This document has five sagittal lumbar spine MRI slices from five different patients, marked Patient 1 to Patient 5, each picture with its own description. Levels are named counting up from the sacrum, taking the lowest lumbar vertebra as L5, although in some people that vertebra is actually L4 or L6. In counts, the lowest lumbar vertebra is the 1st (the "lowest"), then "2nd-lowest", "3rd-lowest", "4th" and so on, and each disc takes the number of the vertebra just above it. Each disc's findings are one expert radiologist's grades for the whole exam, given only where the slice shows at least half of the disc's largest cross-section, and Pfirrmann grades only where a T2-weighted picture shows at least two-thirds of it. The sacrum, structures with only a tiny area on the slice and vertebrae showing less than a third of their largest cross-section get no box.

Patient 1 of 5:
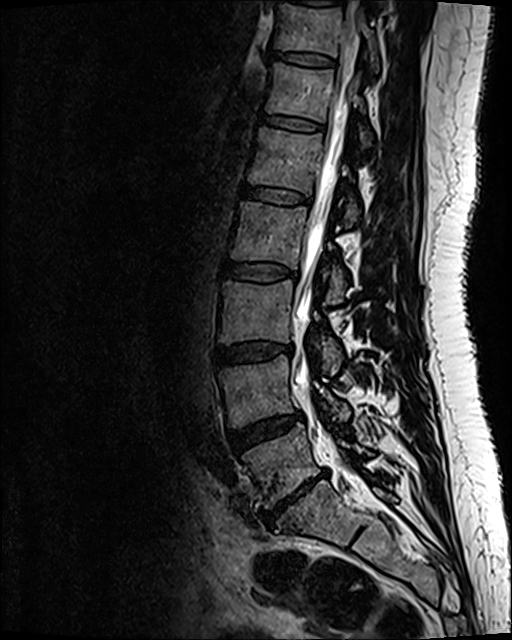 Sagittal T2 SPACE (3D) lumbar spine MRI, Sex F, Sagittal slice index 49
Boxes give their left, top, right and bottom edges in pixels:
5th disc: left=243, top=185, right=310, bottom=204.
4th vertebra: left=231, top=203, right=346, bottom=302.
3rd-lowest vertebra: left=219, top=281, right=342, bottom=372.
4th disc: left=224, top=262, right=298, bottom=280.
5th vertebra: left=249, top=128, right=360, bottom=224.
2nd-lowest disc: left=229, top=412, right=301, bottom=449.
6th disc: left=262, top=116, right=321, bottom=131.
2nd-lowest vertebra: left=222, top=355, right=349, bottom=426.
7th vertebra: left=276, top=4, right=378, bottom=70.
Lowest disc: left=262, top=471, right=327, bottom=525.
3rd-lowest disc: left=216, top=342, right=292, bottom=365.
Lowest vertebra: left=243, top=425, right=369, bottom=506.
7th disc: left=271, top=50, right=333, bottom=65.
Spinal canal: left=293, top=7, right=358, bottom=388.
6th vertebra: left=267, top=64, right=372, bottom=146.

Per-level radiological findings:
  lowest disc: lower-endplate change, disc narrowing, Modic type III, disc bulging, disc herniation, upper-endplate change
  4th disc: Pfirrmann grade 2
  3rd-lowest disc: Pfirrmann grade 2, disc bulging
  5th disc: Pfirrmann grade 2
  2nd-lowest disc: Pfirrmann grade 3, disc bulging
  6th disc: Pfirrmann grade 2
  7th disc: Pfirrmann grade 2

Patient 2 of 5:
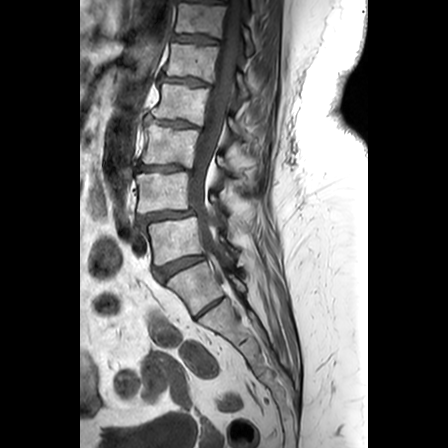 Sagittal T1-weighted lumbar spine MRI | 448x448 px
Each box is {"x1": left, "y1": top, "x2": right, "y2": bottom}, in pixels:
Structures:
* 3rd-lowest disc at {"x1": 137, "y1": 162, "x2": 192, "y2": 169}
* 5th vertebra at {"x1": 165, "y1": 40, "x2": 248, "y2": 94}
* 2nd-lowest disc at {"x1": 137, "y1": 207, "x2": 193, "y2": 223}
* thecal sac / spinal canal at {"x1": 189, "y1": 0, "x2": 241, "y2": 290}
* lowest vertebra at {"x1": 147, "y1": 213, "x2": 234, "y2": 262}
* 3rd-lowest vertebra at {"x1": 141, "y1": 122, "x2": 249, "y2": 180}
* 6th vertebra at {"x1": 174, "y1": 1, "x2": 253, "y2": 51}
* 4th vertebra at {"x1": 151, "y1": 80, "x2": 242, "y2": 133}
* 4th disc at {"x1": 146, "y1": 113, "x2": 200, "y2": 127}
* lowest disc at {"x1": 153, "y1": 251, "x2": 204, "y2": 277}
* 5th disc at {"x1": 158, "y1": 72, "x2": 211, "y2": 85}
* 2nd-lowest vertebra at {"x1": 136, "y1": 168, "x2": 225, "y2": 211}
* 6th disc at {"x1": 170, "y1": 32, "x2": 216, "y2": 41}

Degenerative findings by level:
  5th disc: Modic type II, disc bulging, disc narrowing, lower-endplate change, upper-endplate change
  6th disc: Modic type II, lower-endplate change, upper-endplate change
  4th disc: disc bulging, disc narrowing, lower-endplate change, upper-endplate change, Modic type II
  3rd-lowest disc: lower-endplate change, disc narrowing, disc bulging, Modic type II, upper-endplate change
  2nd-lowest disc: disc bulging, disc narrowing, spondylolisthesis
  lowest disc: disc bulging

Patient 3 of 5:
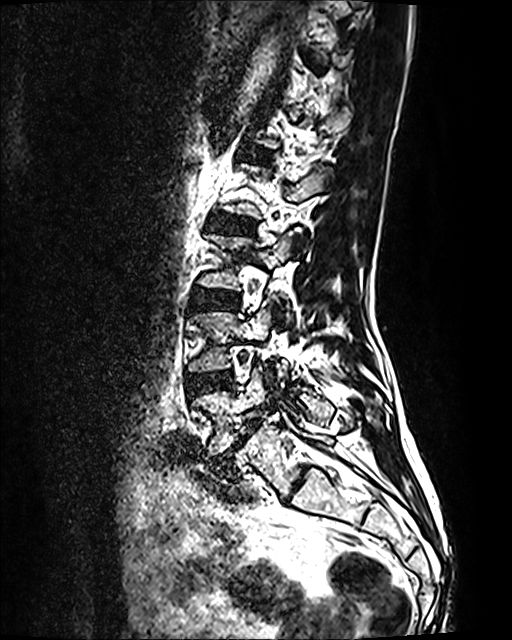

MRI lumbar spine (T2 SPACE (3D)), sagittal plane
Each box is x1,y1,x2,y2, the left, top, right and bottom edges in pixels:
{"disc L3/L4": "192,289,236,310", "L2/L3": "216,215,251,232", "L5/S1": "211,418,262,469", "disc L4/L5": "189,372,230,395", "L4 vertebra": "190,300,286,379", "L3": "200,230,298,290", "L5": "192,364,332,456"}

Per-level radiological findings:
  L5/S1: disc narrowing, spondylolisthesis, disc bulging, Modic type II
  L3/L4: no spondylolisthesis, narrowing, bulging, herniation, Modic or endplate change recorded

Patient 4 of 5:
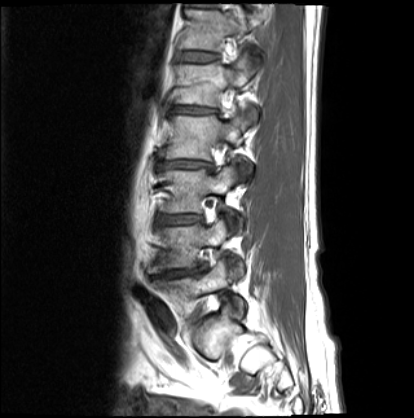

Lumbar spine MR, T1-weighted, sagittal | Field of view 260x262 mm | Slice 13 of 18 | 414x418 px

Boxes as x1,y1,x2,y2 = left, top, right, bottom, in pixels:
{"lowest vertebra": "153,260,244,319", "5th disc": "171,106,218,113", "3rd-lowest vertebra": "159,166,241,229", "4th vertebra": "158,112,251,173", "5th vertebra": "175,54,257,117", "6th vertebra": "180,10,257,51", "3rd-lowest disc": "158,215,202,224", "6th disc": "180,52,218,61", "2nd-lowest disc": "153,268,201,277", "2nd-lowest vertebra": "148,219,242,275", "4th disc": "157,161,210,168"}

Radiological gradings:
- 2nd-lowest disc: Modic type II, upper-endplate change, lower-endplate change, disc narrowing, disc bulging
- 4th disc: Modic type II, upper-endplate change, disc narrowing, lower-endplate change, disc bulging
- 3rd-lowest disc: disc bulging, Modic type II, disc narrowing
- 5th disc: Modic type II, disc bulging, upper-endplate change, disc narrowing, lower-endplate change
- 6th disc: no Modic or endplate change, herniation, narrowing, bulging or spondylolisthesis recorded

Patient 5 of 5:
Slice 60 of 139, Lumbar spine MR, T2 SPACE (3D), sagittal, Patient sex: F, Field of view 240x307 mm, slice spacing 0.9 mm 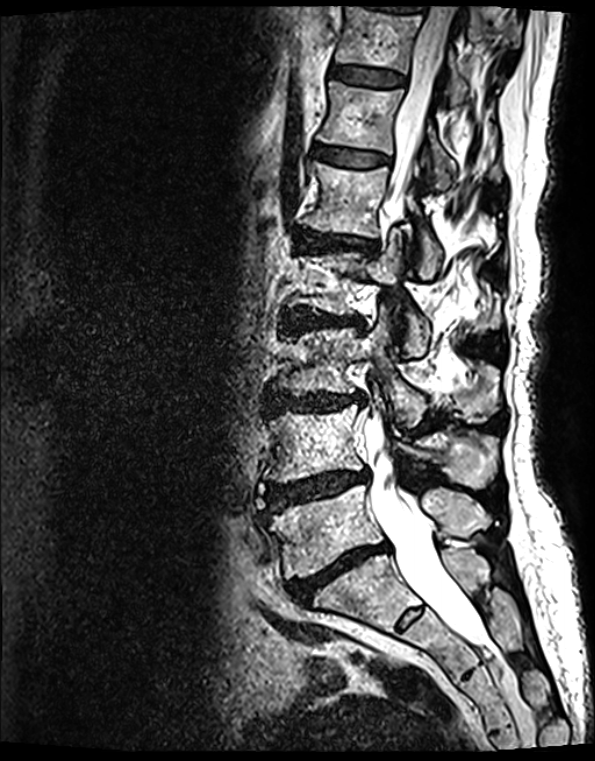
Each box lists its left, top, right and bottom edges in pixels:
Segmented structures:
* L1 vertebra = left=307, top=163, right=441, bottom=278
* disc T11/T12 = left=330, top=66, right=404, bottom=88
* disc L2/L3 = left=288, top=310, right=356, bottom=327
* L5/S1 = left=289, top=543, right=385, bottom=603
* L3 vertebra = left=277, top=306, right=497, bottom=427
* L2 vertebra = left=291, top=231, right=497, bottom=357
* T12 vertebra = left=320, top=82, right=454, bottom=192
* L4 vertebra = left=265, top=399, right=494, bottom=488
* L3/L4 = left=267, top=392, right=362, bottom=409
* disc T12/L1 = left=315, top=146, right=385, bottom=168
* disc L4/L5 = left=266, top=471, right=368, bottom=509
* spinal canal = left=369, top=7, right=477, bottom=641
* disc L1/L2 = left=299, top=233, right=370, bottom=250
* T11 vertebra = left=336, top=7, right=464, bottom=102
* L5 = left=270, top=485, right=490, bottom=579

Radiological gradings:
  L1/L2: Pfirrmann grade 4, lower-endplate change, Modic type II, disc bulging, upper-endplate change, disc narrowing
  L4/L5: Pfirrmann grade 4, Modic type II, lower-endplate change, disc narrowing, disc herniation, disc bulging, upper-endplate change
  L5/S1: Pfirrmann grade 5, upper-endplate change, Modic type II, lower-endplate change, disc narrowing, disc bulging
  T11/T12: Pfirrmann grade 2, upper-endplate change, lower-endplate change, Modic type II
  L3/L4: Pfirrmann grade 4, upper-endplate change, disc bulging, lower-endplate change, Modic type II, disc narrowing
  L2/L3: Modic type II, upper-endplate change, disc narrowing, lower-endplate change, disc bulging
  T12/L1: Pfirrmann grade 2, upper-endplate change, lower-endplate change, Modic type II